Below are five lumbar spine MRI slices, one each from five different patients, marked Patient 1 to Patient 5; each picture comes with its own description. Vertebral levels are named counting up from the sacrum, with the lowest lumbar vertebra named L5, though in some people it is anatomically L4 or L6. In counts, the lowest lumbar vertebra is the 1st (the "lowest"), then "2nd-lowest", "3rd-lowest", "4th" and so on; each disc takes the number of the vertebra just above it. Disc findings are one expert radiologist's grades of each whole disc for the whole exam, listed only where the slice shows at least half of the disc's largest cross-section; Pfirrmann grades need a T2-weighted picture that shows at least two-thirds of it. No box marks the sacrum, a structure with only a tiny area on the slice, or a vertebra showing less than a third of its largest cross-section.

Patient 1 of 5:
Lumbar spine MR, T2 SPACE (3D), sagittal

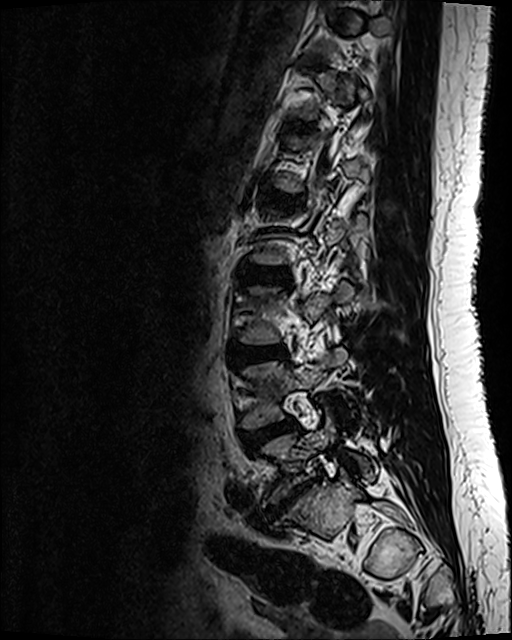

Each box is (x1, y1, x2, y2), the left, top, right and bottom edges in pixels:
L4 at (242, 348, 346, 427).
L5 vertebra at (262, 414, 374, 505).
Intervertebral disc L3/L4 at (230, 347, 285, 364).
Intervertebral disc L1/L2 at (263, 191, 293, 202).
Intervertebral disc L4/L5 at (243, 421, 297, 447).
T12/L1 at (299, 125, 312, 129).
L5/S1 at (269, 486, 306, 516).
L2/L3 at (241, 267, 287, 280).

Expert MSK radiologist gradings (per disc):
  L3/L4: disc bulging

Patient 2 of 5:
Patient sex: F; Sagittal slice index 18; MRI lumbar spine (T1-weighted), sagittal plane 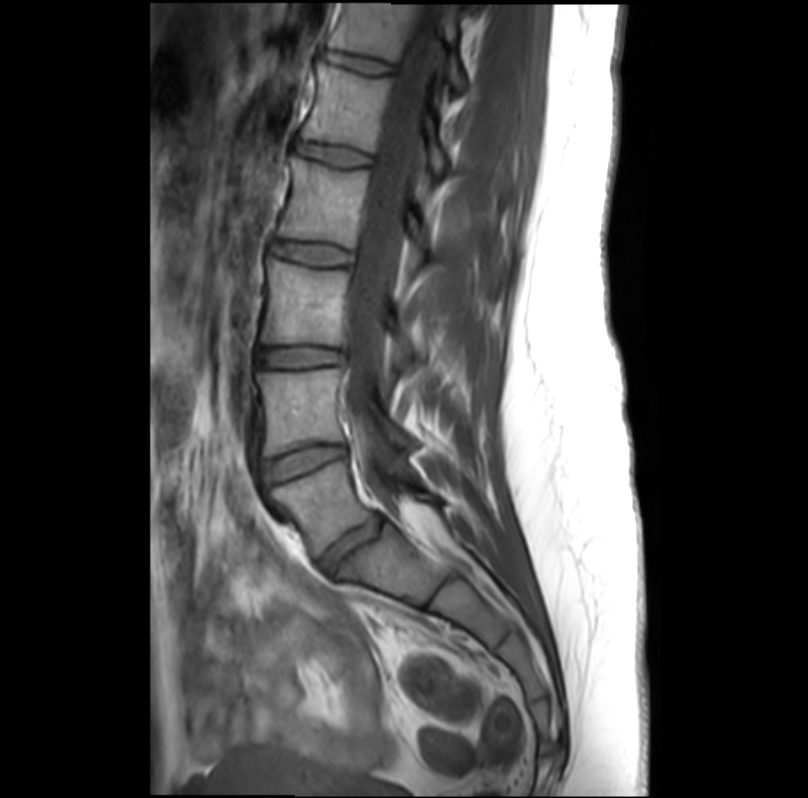

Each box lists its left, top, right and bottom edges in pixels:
Segmented structures:
• L5/S1: left=321, top=514, right=383, bottom=569
• L3: left=263, top=258, right=419, bottom=373
• T12 vertebra: left=329, top=3, right=466, bottom=89
• IVD L3/L4: left=259, top=346, right=344, bottom=366
• L5: left=272, top=461, right=445, bottom=555
• thecal sac / spinal canal: left=346, top=27, right=434, bottom=481
• L2: left=278, top=156, right=428, bottom=245
• T12/L1: left=324, top=51, right=393, bottom=73
• L1: left=300, top=65, right=446, bottom=172
• L4: left=259, top=368, right=419, bottom=454
• L4/L5: left=265, top=443, right=347, bottom=481
• IVD L2/L3: left=272, top=239, right=352, bottom=264
• IVD L1/L2: left=297, top=141, right=369, bottom=164

Degenerative findings by level:
• L3/L4: disc bulging
• L5/S1: disc narrowing
• L4/L5, T12/L1, L2/L3, L1/L2: no Modic or endplate change, herniation, narrowing, bulging or spondylolisthesis recorded

Patient 3 of 5:
T1-weighted sagittal MRI of the lumbar spine | 384x384 px | SIEMENS SymphonyTim (1.5T)

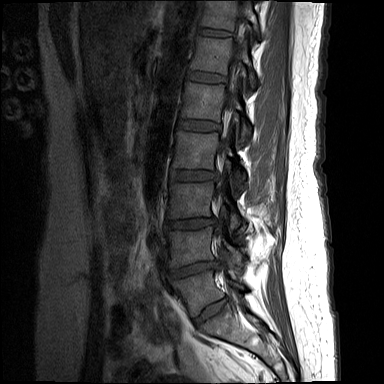
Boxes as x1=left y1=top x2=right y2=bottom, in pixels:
intervertebral disc L3/L4: x1=165 y1=218 x2=214 y2=228 | L1: x1=181 y1=82 x2=251 y2=141 | L2: x1=173 y1=130 x2=247 y2=179 | intervertebral disc T12/L1: x1=187 y1=72 x2=225 y2=82 | T11 vertebra: x1=200 y1=0 x2=261 y2=38 | intervertebral disc L4/L5: x1=169 y1=261 x2=222 y2=278 | L5 vertebra: x1=173 y1=270 x2=245 y2=316 | T11/T12: x1=197 y1=28 x2=231 y2=35 | intervertebral disc L2/L3: x1=170 y1=170 x2=216 y2=180 | L3: x1=167 y1=182 x2=241 y2=226 | intervertebral disc L1/L2: x1=178 y1=119 x2=219 y2=131 | T12 vertebra: x1=190 y1=36 x2=256 y2=87 | spinal canal: x1=215 y1=1 x2=247 y2=295 | intervertebral disc L5/S1: x1=192 y1=297 x2=227 y2=326 | L4 vertebra: x1=166 y1=227 x2=241 y2=267

Radiological gradings:
- L2/L3: disc bulging
- L4/L5: disc herniation, Modic type II, lower-endplate change, disc narrowing, upper-endplate change
- L3/L4: upper-endplate change, disc bulging
- T11/T12, L1/L2, L5/S1, T12/L1: no spondylolisthesis, narrowing, bulging, herniation, Modic or endplate change recorded

Patient 4 of 5:
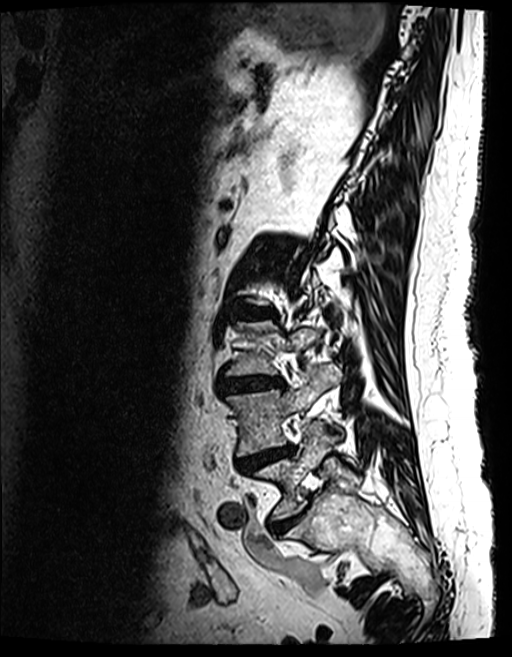
MRI lumbar spine (T2 SPACE (3D)), sagittal plane. Slice 106/154.
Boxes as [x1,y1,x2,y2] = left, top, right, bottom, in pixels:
L5 = [256,422,337,519] | intervertebral disc L2/L3 = [239,305,273,319] | L3/L4 = [225,377,280,390] | L4/L5 = [238,445,293,470] | L5/S1 = [267,507,303,532] | L4 vertebra = [227,365,340,456]

Degenerative findings by level:
- L2/L3: lower-endplate change, Modic type II, disc bulging, upper-endplate change, disc narrowing
- L4/L5: Pfirrmann grade 5, upper-endplate change, lower-endplate change, Modic type II, disc narrowing, disc bulging
- L3/L4: Pfirrmann grade 4, Modic type II, disc bulging, disc narrowing, upper-endplate change, lower-endplate change

Patient 5 of 5:
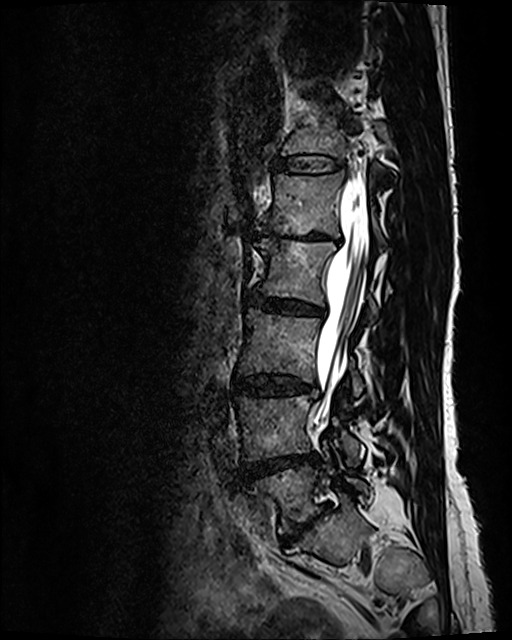
Lumbar spine MR, T2 SPACE (3D), sagittal, Slice spacing 0.9 mm
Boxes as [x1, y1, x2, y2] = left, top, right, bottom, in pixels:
T12 vertebra: [282, 102, 386, 158].
L2/L3: [248, 290, 324, 316].
Spinal canal: [314, 180, 368, 420].
Intervertebral disc L1/L2: [256, 230, 337, 242].
T12/L1: [276, 155, 342, 175].
L4: [235, 395, 362, 466].
Intervertebral disc L5/S1: [282, 505, 326, 542].
Intervertebral disc L4/L5: [241, 455, 316, 478].
L3: [239, 309, 363, 396].
L5 vertebra: [248, 445, 368, 534].
L3/L4: [234, 375, 316, 395].
L1 vertebra: [257, 171, 385, 244].
L2 vertebra: [254, 241, 377, 321].

Degenerative findings by level:
- L3/L4: Pfirrmann grade 3, disc bulging
- T12/L1: Pfirrmann grade 2
- L2/L3: Pfirrmann grade 3, disc bulging, disc narrowing
- L4/L5: Pfirrmann grade 4, disc bulging, Modic type II, disc narrowing
- L1/L2: Pfirrmann grade 5, upper-endplate change, disc narrowing, Modic type II, lower-endplate change, disc bulging